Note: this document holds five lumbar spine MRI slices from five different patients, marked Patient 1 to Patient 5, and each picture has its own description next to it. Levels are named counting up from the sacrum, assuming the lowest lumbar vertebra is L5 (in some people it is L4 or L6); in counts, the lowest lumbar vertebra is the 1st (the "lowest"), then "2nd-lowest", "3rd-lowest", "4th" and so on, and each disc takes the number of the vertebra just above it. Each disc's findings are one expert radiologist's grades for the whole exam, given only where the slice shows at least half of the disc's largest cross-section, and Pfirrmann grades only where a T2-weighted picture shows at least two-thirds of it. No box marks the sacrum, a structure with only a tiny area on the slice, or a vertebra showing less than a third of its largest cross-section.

Patient 1 of 5:
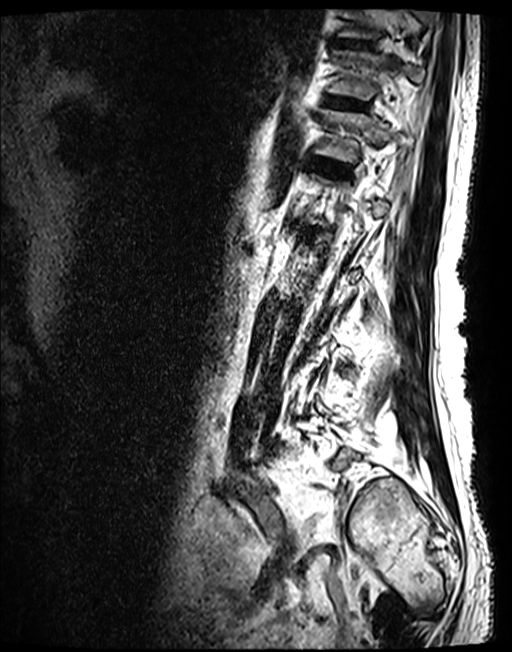

Lumbar spine MR, T2 SPACE (3D), sagittal

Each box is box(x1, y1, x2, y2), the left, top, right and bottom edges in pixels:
IVD T11/T12: box(324, 96, 367, 109)
IVD T10/T11: box(330, 39, 373, 48)
T11: box(327, 50, 425, 99)
T12/L1: box(307, 157, 350, 174)
T12 vertebra: box(315, 109, 419, 162)
IVD L1/L2: box(300, 227, 318, 235)
T10: box(336, 10, 432, 37)

Per-level radiological findings:
- T12/L1: no spondylolisthesis, narrowing, bulging, herniation, Modic or endplate change recorded

Patient 2 of 5:
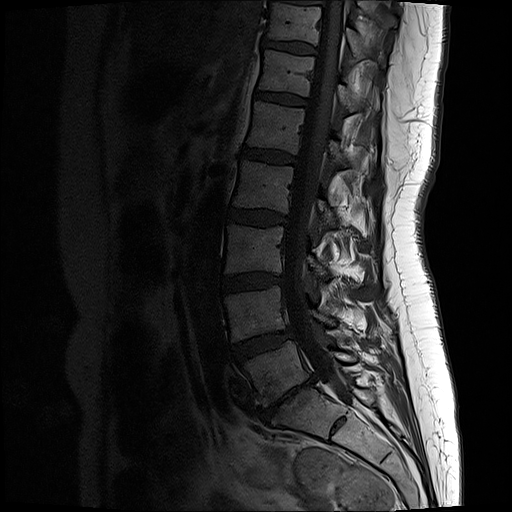 Field of view 300x300 mm, slice spacing 3.3 mm | MRI lumbar spine (T1-weighted), sagittal plane | Image 512x512
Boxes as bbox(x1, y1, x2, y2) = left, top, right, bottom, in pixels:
T12 vertebra: bbox(259, 50, 356, 111)
L4: bbox(225, 286, 336, 340)
L3: bbox(225, 225, 328, 277)
thecal sac / spinal canal: bbox(283, 1, 353, 402)
L2/L3: bbox(228, 208, 286, 225)
L5: bbox(243, 340, 357, 405)
T11 vertebra: bbox(268, 2, 363, 57)
IVD L4/L5: bbox(233, 328, 292, 361)
IVD L5/S1: bbox(257, 376, 315, 421)
IVD L3/L4: bbox(221, 273, 282, 291)
IVD T12/L1: bbox(256, 91, 306, 105)
L1/L2: bbox(242, 147, 295, 163)
IVD T11/T12: bbox(264, 40, 315, 52)
L2: bbox(233, 162, 338, 225)
L1 vertebra: bbox(247, 102, 346, 165)

Radiological gradings:
- L5/S1: disc bulging, disc narrowing, upper-endplate change, Modic type III, disc herniation, lower-endplate change
- L4/L5: disc bulging
- L3/L4: disc bulging
- L2/L3, L1/L2, T12/L1, T11/T12: no herniation, bulging, narrowing, spondylolisthesis, endplate or Modic change recorded

Patient 3 of 5:
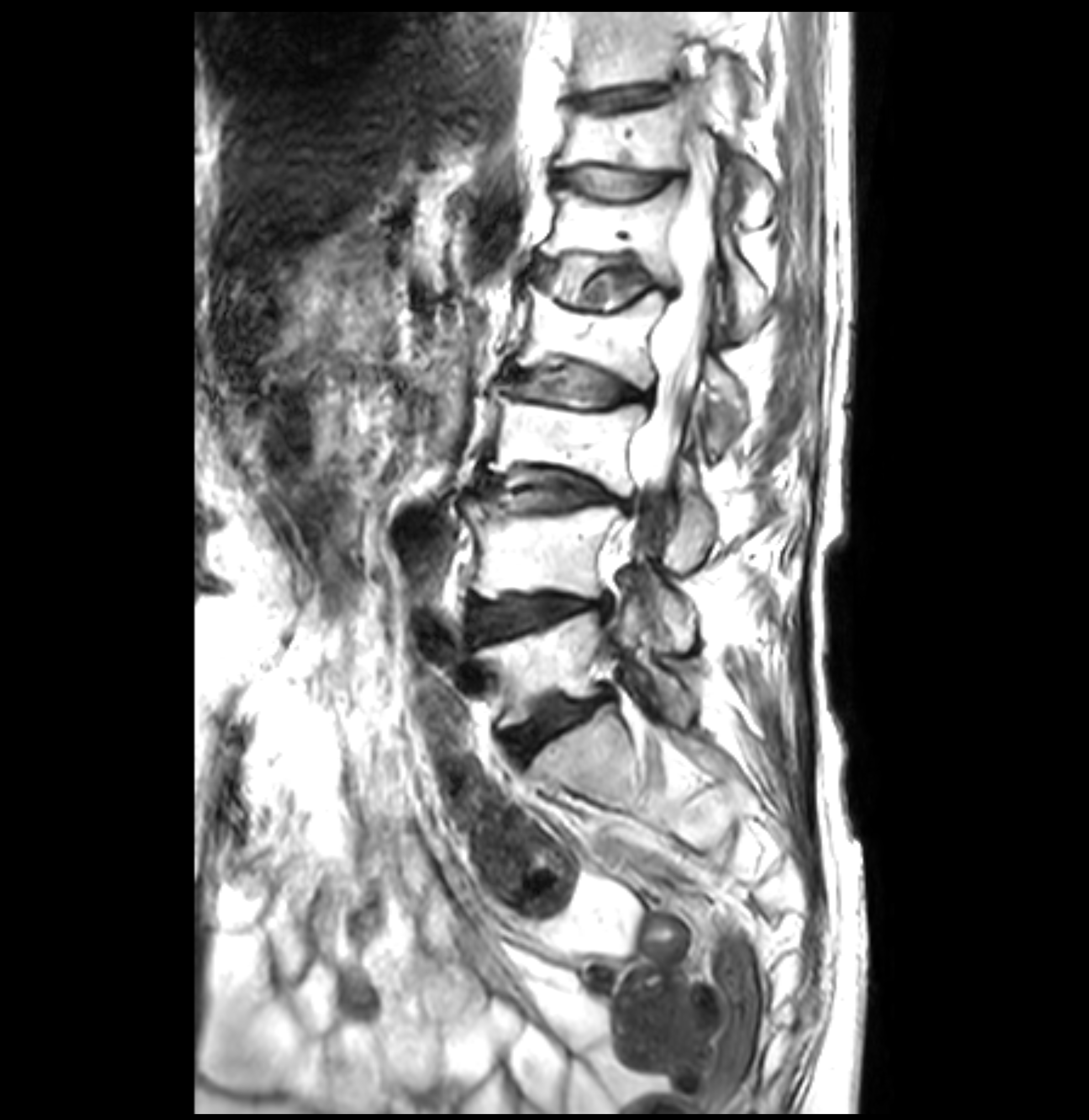 Sagittal T2-weighted lumbar spine MRI | Sagittal slice index 19 | Image 1089x1120

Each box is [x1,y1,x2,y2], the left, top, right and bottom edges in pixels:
5th vertebra: [540,183,765,333].
3rd-lowest vertebra: [484,387,712,564].
2nd-lowest vertebra: [462,497,692,644].
7th vertebra: [571,10,761,108].
4th disc: [508,362,651,405].
6th vertebra: [554,73,773,227].
Lowest disc: [508,695,605,758].
2nd-lowest disc: [469,595,612,637].
3rd-lowest disc: [479,471,634,512].
5th disc: [535,258,671,307].
4th vertebra: [516,284,743,453].
7th disc: [562,83,675,110].
Lowest vertebra: [477,602,688,727].
Spinal canal: [627,108,726,524].
6th disc: [552,167,673,199].

Degenerative findings by level:
  5th disc: Pfirrmann grade 3, disc bulging, Modic type II, lower-endplate change, upper-endplate change
  7th disc: Pfirrmann grade 1, upper-endplate change, Modic type II, lower-endplate change
  6th disc: Pfirrmann grade 3, Modic type II, lower-endplate change, upper-endplate change
  4th disc: Pfirrmann grade 3, disc bulging, disc narrowing, lower-endplate change, Modic type II, upper-endplate change
  3rd-lowest disc: Pfirrmann grade 4, lower-endplate change, upper-endplate change, disc bulging, disc narrowing, Modic type II
  2nd-lowest disc: Pfirrmann grade 4, upper-endplate change, lower-endplate change, Modic type II, disc bulging

Patient 4 of 5:
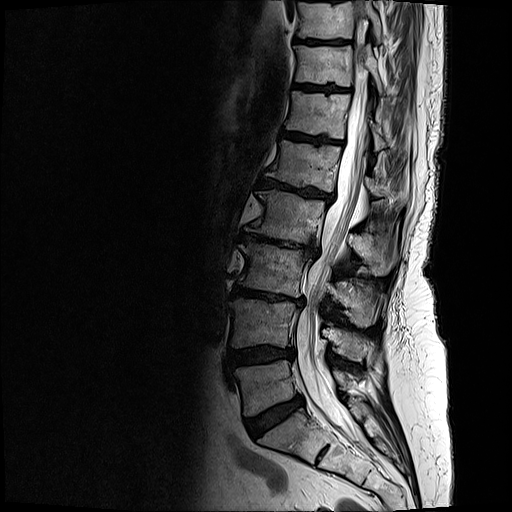 Sex F; Sagittal T2-weighted lumbar spine MRI; 512x512 px
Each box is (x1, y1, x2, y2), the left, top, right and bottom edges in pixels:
4th disc at (240, 232, 317, 258), lowest disc at (246, 396, 302, 437), 8th vertebra at (298, 0, 381, 41), 3rd-lowest disc at (231, 286, 303, 305), 4th vertebra at (252, 190, 394, 275), 5th vertebra at (266, 140, 382, 196), lowest vertebra at (234, 359, 346, 416), 8th disc at (295, 39, 348, 45), 6th disc at (282, 131, 341, 143), 2nd-lowest disc at (227, 346, 293, 366), spinal canal at (295, 0, 369, 445), 6th vertebra at (286, 91, 385, 149), 5th disc at (258, 179, 333, 201), 7th disc at (295, 85, 348, 91), 2nd-lowest vertebra at (230, 299, 367, 360), 7th vertebra at (294, 46, 382, 94), 3rd-lowest vertebra at (238, 243, 373, 326).

Degenerative findings by level:
• 5th disc: Pfirrmann grade 5, Modic type II, lower-endplate change, upper-endplate change, disc narrowing, disc bulging
• 2nd-lowest disc: Pfirrmann grade 4, lower-endplate change, disc bulging, upper-endplate change
• 4th disc: disc narrowing, disc bulging, lower-endplate change, Modic type II, upper-endplate change
• 7th disc: Pfirrmann grade 4, upper-endplate change, lower-endplate change
• lowest disc: Pfirrmann grade 4, disc bulging
• 6th disc: Pfirrmann grade 4, lower-endplate change, Modic type II, upper-endplate change
• 8th disc: Pfirrmann grade 4, upper-endplate change, lower-endplate change
• 3rd-lowest disc: lower-endplate change, disc bulging, Modic type II, upper-endplate change, disc narrowing

Patient 5 of 5:
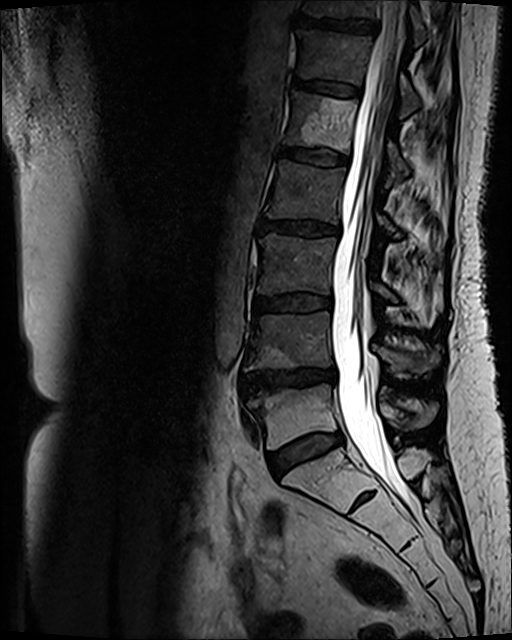 Slice 61/120 | Field of view 240x300 mm | Image 512x640 | MRI lumbar spine (T2 SPACE (3D)), sagittal plane
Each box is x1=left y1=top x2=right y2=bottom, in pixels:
L1 vertebra at x1=284 y1=92 x2=408 y2=187 | IVD L1/L2 at x1=280 y1=148 x2=347 y2=164 | L5 at x1=247 y1=384 x2=436 y2=448 | IVD T11/T12 at x1=299 y1=17 x2=376 y2=34 | L4/L5 at x1=242 y1=367 x2=335 y2=394 | IVD L5/S1 at x1=269 y1=433 x2=343 y2=476 | L2/L3 at x1=259 y1=221 x2=339 y2=235 | spinal canal at x1=331 y1=0 x2=406 y2=500 | L3/L4 at x1=256 y1=296 x2=331 y2=311 | T12 at x1=299 y1=31 x2=418 y2=116 | L2 vertebra at x1=265 y1=161 x2=396 y2=235 | T11 at x1=302 y1=0 x2=425 y2=44 | L4 at x1=244 y1=312 x2=439 y2=373 | T12/L1 at x1=293 y1=79 x2=361 y2=96 | L3 vertebra at x1=257 y1=233 x2=396 y2=302

Expert MSK radiologist gradings (per disc):
  L2/L3: Pfirrmann grade 3, Modic type II, disc bulging
  T12/L1: Pfirrmann grade 3, Modic type II
  T11/T12: Pfirrmann grade 4, lower-endplate change, upper-endplate change, Modic type II
  L5/S1: Pfirrmann grade 3, disc bulging, Modic type II
  L1/L2: Pfirrmann grade 3, Modic type II
  L3/L4: Pfirrmann grade 3, disc bulging, Modic type II
  L4/L5: Pfirrmann grade 4, disc bulging, Modic type II, lower-endplate change, upper-endplate change, disc narrowing